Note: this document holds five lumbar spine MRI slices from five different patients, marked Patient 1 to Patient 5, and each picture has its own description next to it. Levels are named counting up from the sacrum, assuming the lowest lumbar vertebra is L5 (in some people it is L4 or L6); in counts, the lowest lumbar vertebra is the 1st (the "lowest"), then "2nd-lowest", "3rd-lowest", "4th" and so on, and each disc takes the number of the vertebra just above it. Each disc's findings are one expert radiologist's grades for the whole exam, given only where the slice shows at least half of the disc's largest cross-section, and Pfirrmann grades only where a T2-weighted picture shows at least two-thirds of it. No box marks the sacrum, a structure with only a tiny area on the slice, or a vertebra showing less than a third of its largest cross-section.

Patient 1 of 5:
MRI lumbar spine (T1-weighted), sagittal plane

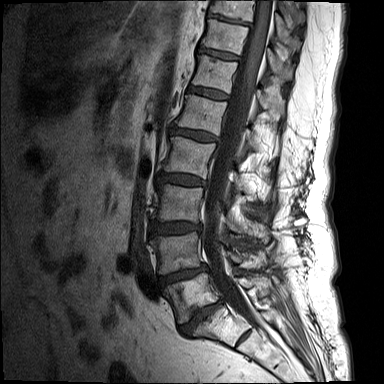

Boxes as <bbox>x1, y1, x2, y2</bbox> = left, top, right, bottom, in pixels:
{"2nd-lowest disc": "<bbox>159, 266, 206, 285</bbox>", "spinal canal": "<bbox>202, 0, 272, 328</bbox>", "2nd-lowest vertebra": "<bbox>150, 232, 263, 273</bbox>", "lowest vertebra": "<bbox>164, 273, 256, 323</bbox>", "8th vertebra": "<bbox>209, 0, 300, 51</bbox>", "7th disc": "<bbox>198, 47, 239, 59</bbox>", "6th disc": "<bbox>188, 86, 228, 99</bbox>", "5th vertebra": "<bbox>177, 95, 255, 148</bbox>", "lowest disc": "<bbox>180, 299, 224, 335</bbox>", "4th vertebra": "<bbox>163, 137, 243, 194</bbox>", "3rd-lowest vertebra": "<bbox>155, 184, 269, 243</bbox>", "3rd-lowest disc": "<bbox>151, 222, 201, 233</bbox>", "6th vertebra": "<bbox>192, 55, 283, 113</bbox>", "7th vertebra": "<bbox>201, 19, 293, 79</bbox>", "5th disc": "<bbox>171, 127, 219, 141</bbox>", "8th disc": "<bbox>207, 13, 250, 25</bbox>", "4th disc": "<bbox>158, 173, 205, 185</bbox>"}

Per-level radiological findings:
- 5th disc: disc bulging
- 2nd-lowest disc: disc bulging, lower-endplate change, disc narrowing, upper-endplate change, Modic type II
- 6th disc: Modic type II
- 8th disc: disc narrowing, lower-endplate change, Modic type II
- lowest disc: lower-endplate change, disc narrowing, disc bulging, Modic type II, upper-endplate change
- 7th disc: Modic type II, upper-endplate change
- 3rd-lowest disc: disc bulging
- 4th disc: disc bulging

Patient 2 of 5:
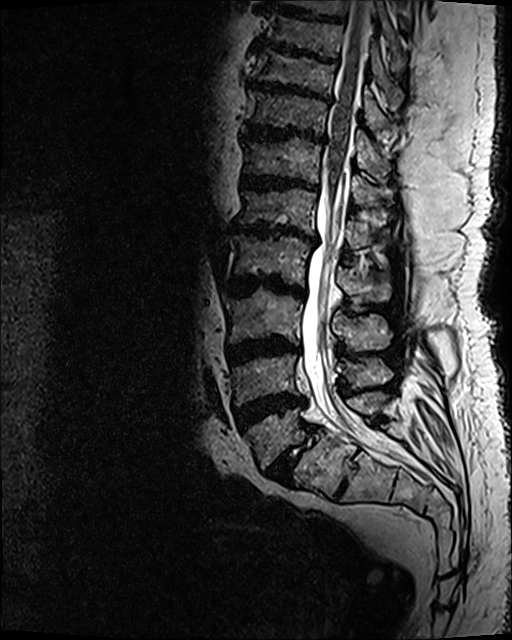
Sex M, Slice 65/120, Slice spacing 0.9 mm, Lumbar spine MR, T2 SPACE (3D), sagittal

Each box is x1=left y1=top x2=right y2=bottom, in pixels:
T10/T11 (8th disc) — x1=247 y1=82 x2=332 y2=104.
Thecal sac / spinal canal — x1=301 y1=1 x2=388 y2=452.
T11/T12 (7th disc) — x1=242 y1=123 x2=326 y2=143.
L1/L2 (5th disc) — x1=231 y1=222 x2=318 y2=243.
Disc L3/L4 (3rd-lowest disc) — x1=226 y1=336 x2=299 y2=364.
L5/S1 (lowest disc) — x1=265 y1=425 x2=316 y2=483.
L1 (5th vertebra) — x1=237 y1=186 x2=391 y2=248.
T12/L1 (6th disc) — x1=240 y1=173 x2=319 y2=191.
T9/T10 (9th disc) — x1=250 y1=44 x2=338 y2=62.
L2 (4th vertebra) — x1=233 y1=235 x2=393 y2=302.
L3 (3rd-lowest vertebra) — x1=222 y1=287 x2=392 y2=350.
L2/L3 (4th disc) — x1=229 y1=274 x2=305 y2=298.
T11 (7th vertebra) — x1=245 y1=90 x2=390 y2=178.
Disc L4/L5 (2nd-lowest disc) — x1=232 y1=392 x2=308 y2=432.
L5 (lowest vertebra) — x1=244 y1=390 x2=391 y2=468.
L4 (2nd-lowest vertebra) — x1=233 y1=354 x2=392 y2=404.
T12 (6th vertebra) — x1=242 y1=136 x2=393 y2=206.
T10 (8th vertebra) — x1=249 y1=49 x2=390 y2=129.

Degenerative findings by level:
• T11/T12 (7th disc): Pfirrmann grade 5, disc narrowing, upper-endplate change, Modic type II, disc bulging, lower-endplate change
• T12/L1 (6th disc): Pfirrmann grade 5, upper-endplate change, Modic type II, lower-endplate change, disc narrowing, disc bulging
• L4/L5 (2nd-lowest disc): Pfirrmann grade 5, upper-endplate change, Modic type II, disc narrowing, lower-endplate change, disc bulging
• L5/S1 (lowest disc): Pfirrmann grade 5, Modic type II, upper-endplate change, disc bulging, lower-endplate change, disc narrowing, spondylolisthesis
• T9/T10 (9th disc): Pfirrmann grade 5, disc narrowing, upper-endplate change, disc bulging, lower-endplate change, Modic type II
• L1/L2 (5th disc): Pfirrmann grade 5, Modic type II, disc narrowing, upper-endplate change, lower-endplate change, disc bulging
• L3/L4 (3rd-lowest disc): Pfirrmann grade 5, Modic type II, disc narrowing, disc bulging, lower-endplate change, upper-endplate change
• T10/T11 (8th disc): lower-endplate change, Modic type II, disc narrowing, disc bulging, upper-endplate change
• L2/L3 (4th disc): Pfirrmann grade 5, Modic type II, disc bulging, disc narrowing, upper-endplate change, lower-endplate change

Patient 3 of 5:
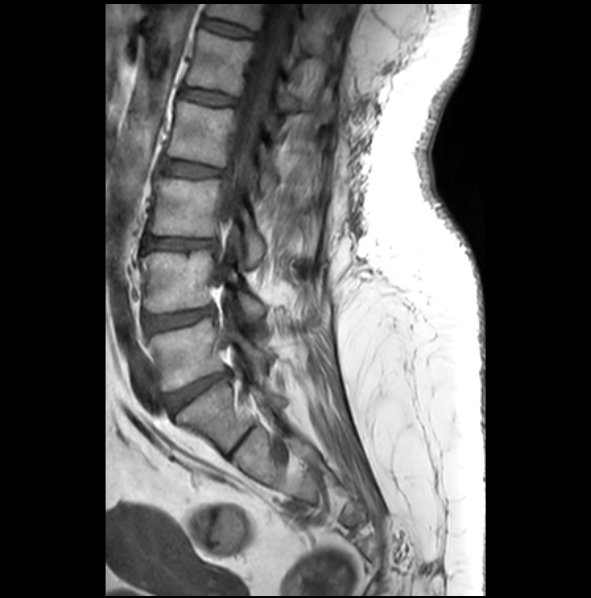

Lumbar spine MR, T1-weighted, sagittal. Sex F. Slice 17 of 28.

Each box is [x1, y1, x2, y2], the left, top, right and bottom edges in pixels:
• 6th vertebra: [206, 4, 329, 56]
• lowest disc: [168, 367, 231, 413]
• 4th vertebra: [168, 100, 277, 197]
• lowest vertebra: [150, 318, 268, 391]
• 3rd-lowest vertebra: [149, 175, 314, 267]
• 4th disc: [161, 158, 219, 176]
• thecal sac / spinal canal: [224, 4, 293, 220]
• 3rd-lowest disc: [144, 237, 214, 249]
• 5th disc: [181, 87, 234, 104]
• 6th disc: [202, 18, 252, 36]
• 5th vertebra: [186, 29, 336, 123]
• 2nd-lowest disc: [144, 306, 215, 332]
• 2nd-lowest vertebra: [141, 249, 266, 325]

Per-level radiological findings:
- lowest disc: upper-endplate change, disc bulging, lower-endplate change
- 3rd-lowest disc: lower-endplate change, upper-endplate change, disc bulging, Modic type II, disc narrowing
- 2nd-lowest disc: disc bulging
- 4th disc, 5th disc, 6th disc: no Modic or endplate change, herniation, narrowing, bulging or spondylolisthesis recorded

Patient 4 of 5:
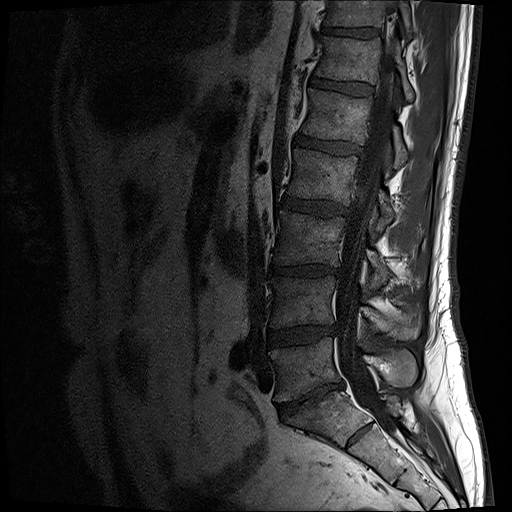 512x512 px, Lumbar spine MR, T1-weighted, sagittal, Slice 12 of 17
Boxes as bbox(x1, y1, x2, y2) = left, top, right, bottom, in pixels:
L2/L3 (4th disc) — bbox(282, 198, 349, 217).
IVD L3/L4 (3rd-lowest disc) — bbox(270, 265, 340, 277).
L2 (4th vertebra) — bbox(286, 150, 391, 232).
T11 (7th vertebra) — bbox(325, 0, 413, 42).
T11/T12 (7th disc) — bbox(324, 26, 378, 38).
T12 (6th vertebra) — bbox(317, 37, 413, 103).
T12/L1 (6th disc) — bbox(311, 78, 374, 95).
L5 (lowest vertebra) — bbox(269, 338, 417, 403).
IVD L1/L2 (5th disc) — bbox(295, 134, 362, 154).
L1 (5th vertebra) — bbox(302, 90, 405, 169).
Spinal canal — bbox(336, 62, 393, 430).
IVD L4/L5 (2nd-lowest disc) — bbox(267, 326, 335, 345).
L3 (3rd-lowest vertebra) — bbox(276, 211, 385, 290).
L4 (2nd-lowest vertebra) — bbox(270, 277, 417, 338).
L5/S1 (lowest disc) — bbox(278, 381, 343, 417).

Radiological gradings:
  L4/L5 (2nd-lowest disc): disc narrowing, disc bulging
  L5/S1 (lowest disc): disc bulging, disc narrowing, Modic type II
  L2/L3 (4th disc): disc bulging
  L3/L4 (3rd-lowest disc): lower-endplate change, disc narrowing, disc bulging
  T11/T12 (7th disc), T12/L1 (6th disc), L1/L2 (5th disc): no Modic or endplate change, herniation, narrowing, bulging or spondylolisthesis recorded

Patient 5 of 5:
512x640 px; Sagittal T2 SPACE (3D) lumbar spine MRI
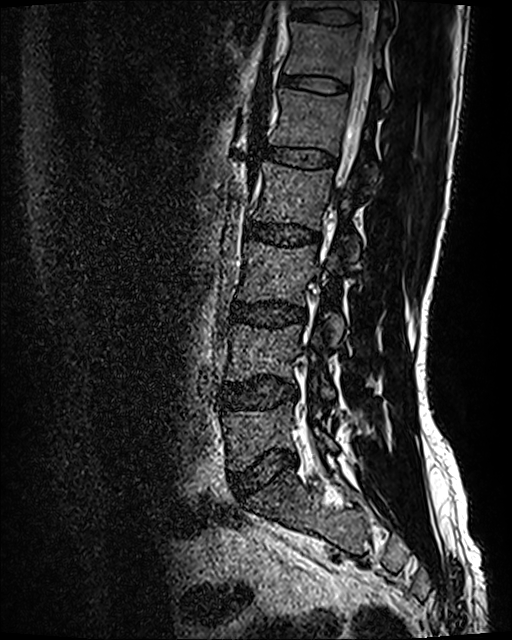
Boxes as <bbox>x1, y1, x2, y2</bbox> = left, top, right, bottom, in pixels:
disc T11/T12: <bbox>289, 7, 358, 25</bbox> | L5/S1: <bbox>231, 451, 297, 496</bbox> | thecal sac / spinal canal: <bbox>332, 1, 381, 207</bbox> | disc L2/L3: <bbox>246, 222, 318, 245</bbox> | T12: <bbox>285, 21, 389, 105</bbox> | disc L3/L4: <bbox>230, 304, 305, 326</bbox> | T11: <bbox>294, 0, 390, 12</bbox> | L2: <bbox>250, 161, 359, 263</bbox> | L1: <bbox>269, 88, 378, 182</bbox> | L1/L2: <bbox>263, 145, 334, 167</bbox> | L3 vertebra: <bbox>237, 240, 344, 344</bbox> | L5: <bbox>223, 401, 336, 471</bbox> | L4 vertebra: <bbox>227, 325, 334, 399</bbox> | T12/L1: <bbox>281, 75, 346, 92</bbox> | L4/L5: <bbox>223, 376, 297, 408</bbox>

Per-level radiological findings:
  L1/L2: Pfirrmann grade 2
  T12/L1: Pfirrmann grade 2
  L4/L5: Pfirrmann grade 2, disc bulging
  L5/S1: Pfirrmann grade 2, disc bulging
  L3/L4: Pfirrmann grade 2, disc bulging
  L2/L3: Pfirrmann grade 2
  T11/T12: Pfirrmann grade 2